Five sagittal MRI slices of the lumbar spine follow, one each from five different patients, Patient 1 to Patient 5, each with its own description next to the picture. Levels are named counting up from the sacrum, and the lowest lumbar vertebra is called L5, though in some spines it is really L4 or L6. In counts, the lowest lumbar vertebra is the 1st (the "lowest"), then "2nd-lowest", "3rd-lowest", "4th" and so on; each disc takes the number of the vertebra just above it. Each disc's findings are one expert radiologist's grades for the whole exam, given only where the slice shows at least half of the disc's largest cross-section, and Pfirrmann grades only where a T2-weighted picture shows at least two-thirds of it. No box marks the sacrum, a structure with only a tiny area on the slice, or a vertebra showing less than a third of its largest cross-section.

Patient 1 of 5:
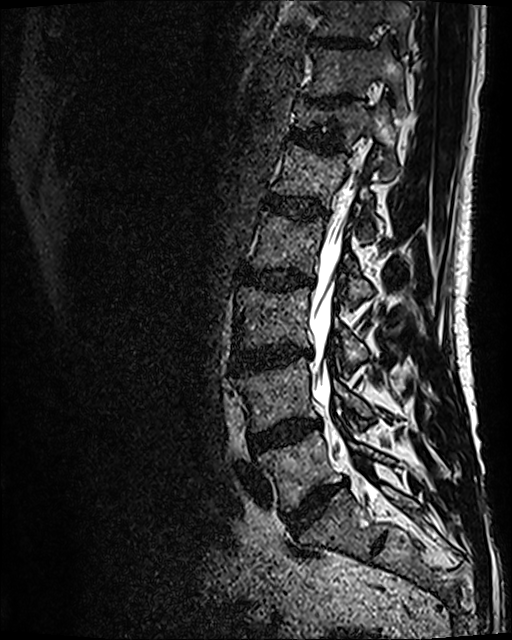 Slice 49/120. Sagittal T2 SPACE (3D) lumbar spine MRI.

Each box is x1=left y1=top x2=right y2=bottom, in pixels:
4th disc: x1=241 y1=269 x2=312 y2=289.
6th disc: x1=289 y1=129 x2=341 y2=151.
7th vertebra: x1=303 y1=43 x2=407 y2=114.
5th vertebra: x1=272 y1=143 x2=375 y2=241.
Spinal canal: x1=309 y1=164 x2=362 y2=455.
7th disc: x1=315 y1=97 x2=348 y2=106.
2nd-lowest vertebra: x1=234 y1=358 x2=371 y2=432.
2nd-lowest disc: x1=249 y1=419 x2=320 y2=450.
5th disc: x1=264 y1=194 x2=325 y2=218.
6th vertebra: x1=294 y1=100 x2=398 y2=178.
Lowest vertebra: x1=257 y1=431 x2=387 y2=510.
Lowest disc: x1=284 y1=485 x2=338 y2=533.
3rd-lowest disc: x1=231 y1=345 x2=310 y2=372.
3rd-lowest vertebra: x1=237 y1=287 x2=367 y2=366.
8th disc: x1=313 y1=39 x2=362 y2=46.
4th vertebra: x1=251 y1=211 x2=372 y2=301.
8th vertebra: x1=317 y1=0 x2=409 y2=51.

Per-level radiological findings:
• 7th disc: lower-endplate change, disc narrowing, upper-endplate change
• 2nd-lowest disc: Pfirrmann grade 3, disc bulging, Modic type II
• 6th disc: upper-endplate change, lower-endplate change
• 4th disc: Pfirrmann grade 3, disc bulging, Modic type II
• lowest disc: Pfirrmann grade 4, disc narrowing, disc bulging
• 5th disc: Pfirrmann grade 3
• 3rd-lowest disc: Pfirrmann grade 4, disc narrowing, Modic type II, disc bulging

Patient 2 of 5:
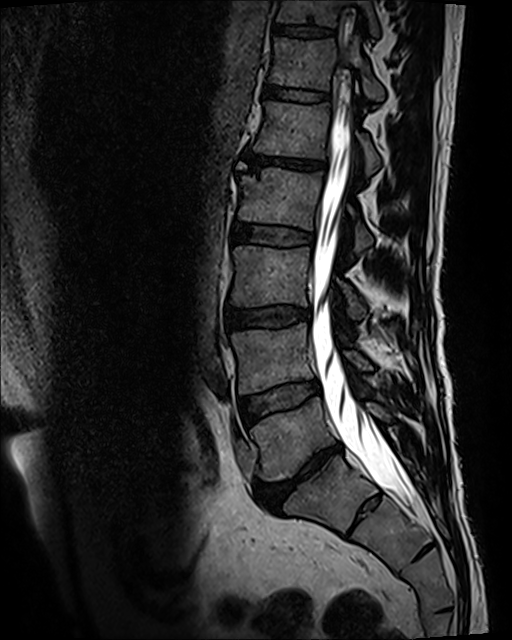 Field of view 240x300 mm. T2 SPACE (3D) sagittal MRI of the lumbar spine.
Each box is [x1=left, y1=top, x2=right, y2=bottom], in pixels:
Structures:
* L5/S1 (lowest disc): [x1=257, y1=443, x2=341, y2=510]
* T12 (6th vertebra): [x1=270, y1=37, x2=384, y2=101]
* L3 (3rd-lowest vertebra): [x1=231, y1=246, x2=365, y2=319]
* L5 (lowest vertebra): [x1=250, y1=397, x2=390, y2=481]
* T11 (7th vertebra): [x1=277, y1=0, x2=378, y2=36]
* T11/T12 (7th disc): [x1=273, y1=25, x2=332, y2=36]
* L4 (2nd-lowest vertebra): [x1=231, y1=323, x2=370, y2=393]
* IVD L4/L5 (2nd-lowest disc): [x1=240, y1=381, x2=318, y2=423]
* L2 (4th vertebra): [x1=238, y1=168, x2=373, y2=254]
* L3/L4 (3rd-lowest disc): [x1=227, y1=308, x2=312, y2=328]
* IVD L2/L3 (4th disc): [x1=233, y1=222, x2=313, y2=246]
* spinal canal: [x1=312, y1=76, x2=414, y2=501]
* L1 (5th vertebra): [x1=253, y1=101, x2=379, y2=174]
* IVD T12/L1 (6th disc): [x1=263, y1=81, x2=329, y2=101]
* L1/L2 (5th disc): [x1=243, y1=151, x2=325, y2=170]

Radiological gradings:
- T12/L1 (6th disc): Pfirrmann grade 3
- L2/L3 (4th disc): Pfirrmann grade 3
- L3/L4 (3rd-lowest disc): Pfirrmann grade 3, upper-endplate change, lower-endplate change, disc bulging
- L5/S1 (lowest disc): Pfirrmann grade 5, lower-endplate change, disc narrowing, disc bulging, upper-endplate change, Modic type II
- L4/L5 (2nd-lowest disc): Pfirrmann grade 3, Modic type II
- T11/T12 (7th disc): Pfirrmann grade 3, lower-endplate change, upper-endplate change
- L1/L2 (5th disc): Pfirrmann grade 5, disc bulging, Modic type II, lower-endplate change, upper-endplate change, disc narrowing

Patient 3 of 5:
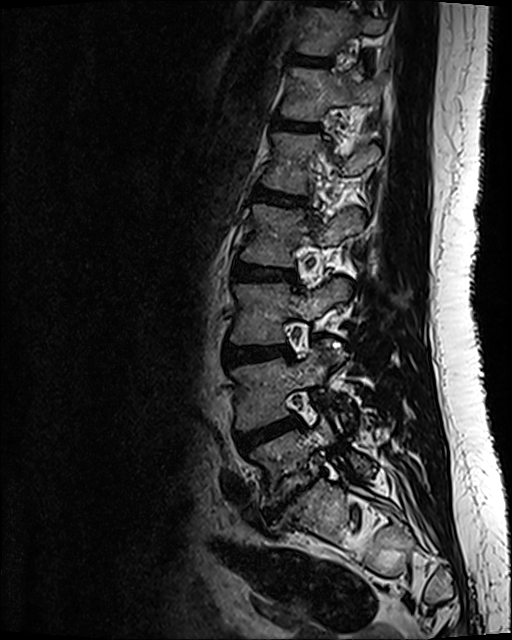
T2 SPACE (3D) sagittal MRI of the lumbar spine. Sex F. Image 512x640. Sagittal slice index 39.
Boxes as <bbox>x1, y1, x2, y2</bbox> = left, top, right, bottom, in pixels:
* lowest vertebra: <bbox>253, 417, 373, 504</bbox>
* 7th vertebra: <bbox>301, 11, 384, 54</bbox>
* 6th vertebra: <bbox>283, 68, 378, 119</bbox>
* 2nd-lowest disc: <bbox>237, 417, 300, 450</bbox>
* lowest disc: <bbox>262, 484, 311, 521</bbox>
* 2nd-lowest vertebra: <bbox>234, 345, 344, 428</bbox>
* 7th disc: <bbox>293, 57, 328, 64</bbox>
* 4th vertebra: <bbox>242, 206, 364, 265</bbox>
* 4th disc: <bbox>235, 262, 294, 280</bbox>
* 3rd-lowest disc: <bbox>226, 346, 290, 365</bbox>
* 3rd-lowest vertebra: <bbox>231, 279, 350, 344</bbox>
* 5th vertebra: <bbox>265, 134, 379, 192</bbox>
* 6th disc: <bbox>274, 118, 317, 131</bbox>
* 5th disc: <bbox>254, 188, 304, 206</bbox>

Degenerative findings by level:
  2nd-lowest disc: disc bulging
  3rd-lowest disc: disc bulging
  6th disc, 4th disc, 5th disc: no Modic or endplate change, herniation, narrowing, bulging or spondylolisthesis recorded

Patient 4 of 5:
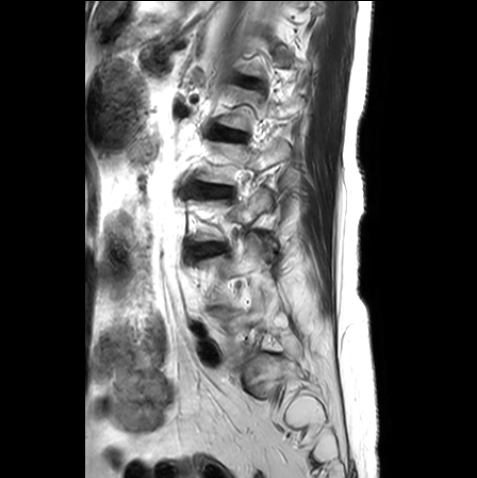 Field of view 280x281 mm, slice spacing 3.3 mm; Slice 19/25; Lumbar spine MR, T2-weighted, sagittal
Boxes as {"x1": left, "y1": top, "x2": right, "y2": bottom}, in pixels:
intervertebral disc L2/L3 = {"x1": 193, "y1": 184, "x2": 231, "y2": 196} | L2 = {"x1": 197, "y1": 141, "x2": 290, "y2": 184} | intervertebral disc T12/L1 = {"x1": 235, "y1": 76, "x2": 257, "y2": 84} | L5 vertebra = {"x1": 211, "y1": 307, "x2": 261, "y2": 351} | L3 = {"x1": 185, "y1": 189, "x2": 276, "y2": 256} | L3/L4 = {"x1": 193, "y1": 244, "x2": 225, "y2": 256} | L1 = {"x1": 219, "y1": 86, "x2": 304, "y2": 130} | L1/L2 = {"x1": 213, "y1": 128, "x2": 245, "y2": 140} | L4 = {"x1": 198, "y1": 233, "x2": 264, "y2": 303}

Per-level radiological findings:
  L1/L2: upper-endplate change, lower-endplate change
  L2/L3: upper-endplate change, lower-endplate change, disc bulging

Patient 5 of 5:
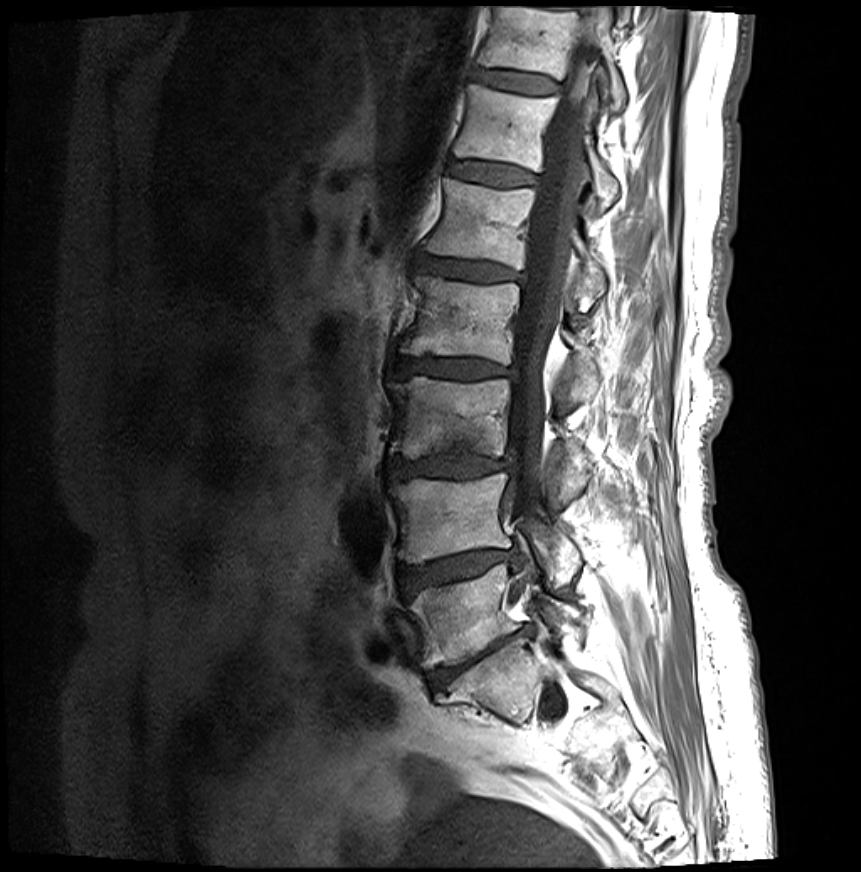
T1-weighted sagittal MRI of the lumbar spine; Image 861x872
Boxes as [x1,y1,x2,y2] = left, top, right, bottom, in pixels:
5th disc: [417,257,522,282]
7th vertebra: [477,7,626,112]
4th vertebra: [398,276,598,396]
6th vertebra: [454,85,618,213]
7th disc: [474,69,556,94]
lowest vertebra: [407,564,579,668]
lowest disc: [429,629,527,689]
2nd-lowest disc: [400,552,513,594]
3rd-lowest vertebra: [388,377,589,503]
2nd-lowest vertebra: [390,473,581,582]
thecal sac / spinal canal: [508,33,599,532]
3rd-lowest disc: [387,454,512,479]
4th disc: [393,357,513,379]
6th disc: [451,162,535,187]
5th vertebra: [425,178,606,294]

Radiological gradings:
- 3rd-lowest disc: disc narrowing, disc bulging, upper-endplate change, lower-endplate change, Modic type II
- 7th disc: Modic type II, lower-endplate change, upper-endplate change
- 6th disc: lower-endplate change, upper-endplate change, Modic type II
- 4th disc: lower-endplate change, disc narrowing, disc bulging, Modic type II, upper-endplate change
- 2nd-lowest disc: Modic type II, disc narrowing, disc bulging, disc herniation, lower-endplate change, upper-endplate change
- 5th disc: lower-endplate change, disc narrowing, Modic type II, upper-endplate change, disc bulging